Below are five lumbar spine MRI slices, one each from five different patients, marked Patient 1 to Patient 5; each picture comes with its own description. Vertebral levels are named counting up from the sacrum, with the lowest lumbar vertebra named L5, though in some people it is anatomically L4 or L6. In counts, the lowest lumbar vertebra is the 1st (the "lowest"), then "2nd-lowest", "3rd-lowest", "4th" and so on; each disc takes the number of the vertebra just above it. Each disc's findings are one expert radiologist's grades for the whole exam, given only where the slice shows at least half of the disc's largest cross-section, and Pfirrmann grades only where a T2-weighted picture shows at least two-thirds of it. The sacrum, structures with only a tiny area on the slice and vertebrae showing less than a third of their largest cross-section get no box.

Patient 1 of 5:
Slice 59/120 | T2 SPACE (3D) sagittal MRI of the lumbar spine | Image 512x640 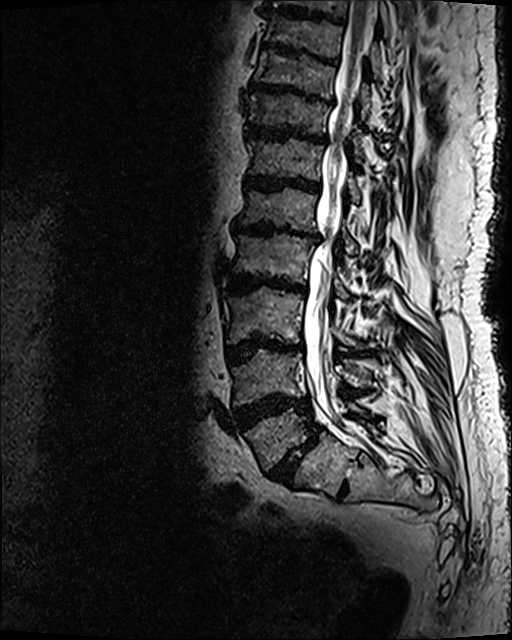

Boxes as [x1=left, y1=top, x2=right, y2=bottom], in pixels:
Segmented structures:
* intervertebral disc L4/L5 at [x1=233, y1=393, x2=311, y2=430]
* intervertebral disc L1/L2 at [x1=230, y1=220, x2=318, y2=239]
* T12/L1 at [x1=244, y1=174, x2=321, y2=193]
* T10/T11 at [x1=249, y1=80, x2=329, y2=103]
* L1 vertebra at [x1=238, y1=187, x2=359, y2=256]
* T12 vertebra at [x1=247, y1=138, x2=360, y2=204]
* T9/T10 at [x1=260, y1=43, x2=339, y2=66]
* intervertebral disc L3/L4 at [x1=225, y1=338, x2=301, y2=364]
* spinal canal at [x1=304, y1=1, x2=377, y2=419]
* T10 at [x1=255, y1=50, x2=370, y2=119]
* intervertebral disc T11/T12 at [x1=244, y1=122, x2=327, y2=144]
* L2/L3 at [x1=229, y1=274, x2=306, y2=294]
* T11 vertebra at [x1=249, y1=92, x2=363, y2=164]
* L5/S1 at [x1=269, y1=426, x2=321, y2=483]
* L3 at [x1=225, y1=287, x2=375, y2=348]
* L4 at [x1=231, y1=349, x2=370, y2=404]
* L2 at [x1=232, y1=231, x2=350, y2=301]
* L5 at [x1=245, y1=401, x2=368, y2=471]

Expert MSK radiologist gradings (per disc):
• T11/T12: Pfirrmann grade 5, lower-endplate change, disc narrowing, disc bulging, Modic type II, upper-endplate change
• L5/S1: Pfirrmann grade 5, spondylolisthesis, lower-endplate change, disc narrowing, Modic type II, disc bulging, upper-endplate change
• L2/L3: Pfirrmann grade 5, disc bulging, disc narrowing, lower-endplate change, upper-endplate change, Modic type II
• T9/T10: upper-endplate change, disc narrowing, disc bulging, Modic type II, lower-endplate change
• L1/L2: disc bulging, upper-endplate change, Modic type II, lower-endplate change, disc narrowing
• T12/L1: Pfirrmann grade 5, Modic type II, lower-endplate change, disc bulging, disc narrowing, upper-endplate change
• L3/L4: Pfirrmann grade 5, lower-endplate change, Modic type II, upper-endplate change, disc bulging, disc narrowing
• T10/T11: Modic type II, disc narrowing, disc bulging, upper-endplate change, lower-endplate change
• L4/L5: Pfirrmann grade 5, lower-endplate change, upper-endplate change, disc narrowing, Modic type II, disc bulging

Patient 2 of 5:
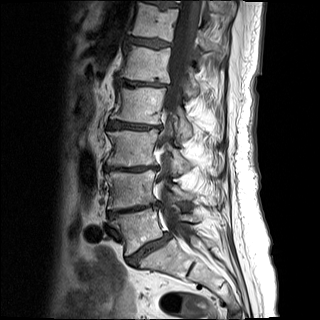 Field of view 260x260 mm, MRI lumbar spine (T1-weighted), sagittal plane, 320x320 px

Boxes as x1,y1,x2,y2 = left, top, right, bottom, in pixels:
IVD T11/T12 — 152,2,179,9.
L1 vertebra — 119,44,202,96.
IVD L4/L5 — 110,203,157,216.
L2/L3 — 109,121,159,129.
Spinal canal — 161,0,201,242.
L5 vertebra — 112,208,201,255.
L2 — 110,87,192,139.
IVD T12/L1 — 126,36,170,48.
T12 vertebra — 128,2,228,55.
L3/L4 — 105,166,156,171.
L4 — 106,170,215,209.
L3 — 107,129,223,175.
T11 vertebra — 206,0,236,19.
L5/S1 — 127,235,170,265.
L1/L2 — 116,78,167,86.

Per-level radiological findings:
- L5/S1: disc narrowing, disc bulging, spondylolisthesis, lower-endplate change, upper-endplate change, Modic type II
- T11/T12: lower-endplate change, disc bulging, Modic type II, upper-endplate change
- L2/L3: disc narrowing, disc bulging, upper-endplate change, Modic type II, lower-endplate change
- L1/L2: lower-endplate change, upper-endplate change, Modic type II, disc narrowing, disc bulging
- L4/L5: disc bulging, Modic type II, upper-endplate change, lower-endplate change, disc narrowing
- L3/L4: lower-endplate change, Modic type II, upper-endplate change, disc narrowing, disc bulging
- T12/L1: upper-endplate change, Modic type II, disc bulging, lower-endplate change

Patient 3 of 5:
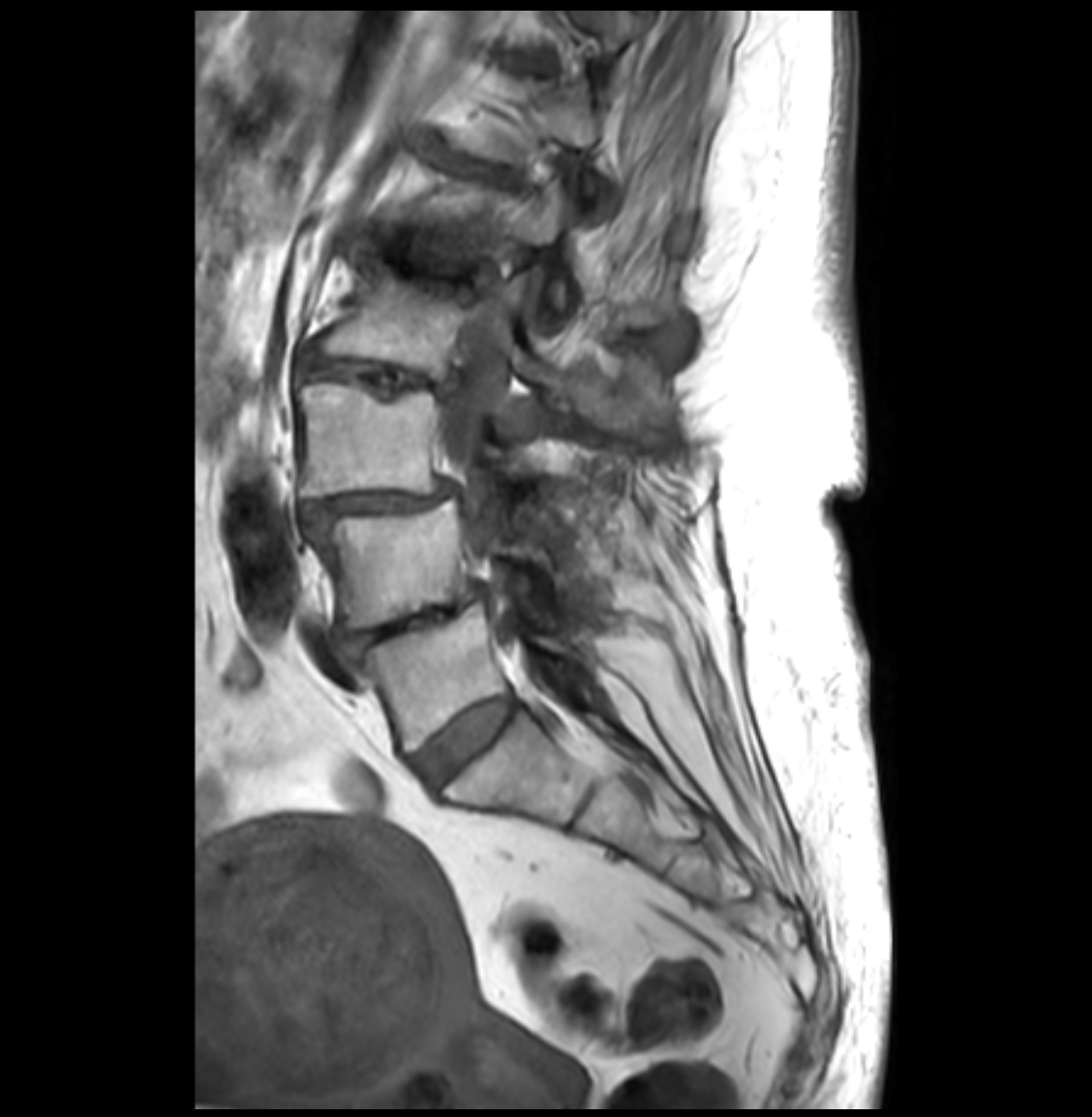 Slice 18 of 33 | Patient sex: F | Image 1092x1117 | T1-weighted sagittal MRI of the lumbar spine | Slice spacing 3.3 mm
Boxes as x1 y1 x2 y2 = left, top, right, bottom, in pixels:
L4/L5 at 344 588 482 653 | L4 vertebra at 310 499 531 627 | intervertebral disc L1/L2 at 382 251 487 281 | L1 at 422 171 675 325 | L2/L3 at 300 337 455 394 | L5 at 361 602 577 751 | spinal canal at 443 305 511 555 | L3 at 297 382 523 497 | L5/S1 at 412 696 516 786 | intervertebral disc T12/L1 at 458 162 506 177 | intervertebral disc L3/L4 at 305 485 452 522 | L2 vertebra at 326 260 667 430

Per-level radiological findings:
- L4/L5: disc bulging, disc narrowing
- L3/L4: disc narrowing, disc bulging, spondylolisthesis
- L2/L3: lower-endplate change, disc bulging, disc narrowing, upper-endplate change
- L5/S1: no herniation, bulging, narrowing, spondylolisthesis, endplate or Modic change recorded

Patient 4 of 5:
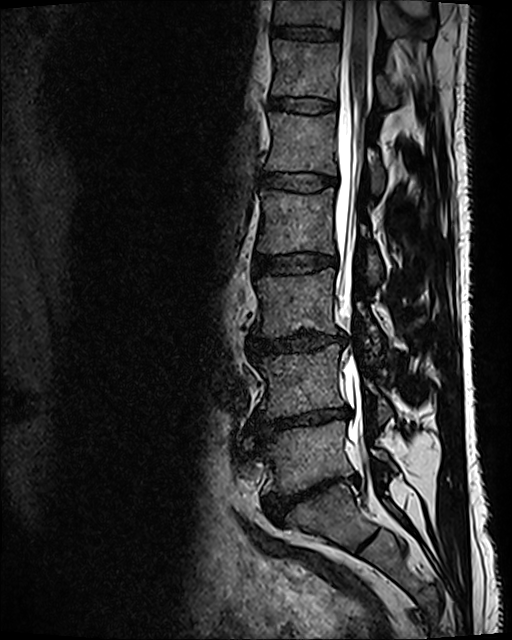

512x640 px. Field of view 240x300 mm, slice spacing 0.9 mm. Sagittal T2 SPACE (3D) lumbar spine MRI. Slice 50/120. Sex M.

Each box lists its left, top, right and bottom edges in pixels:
L3 vertebra — left=255, top=268, right=380, bottom=353 | T11 vertebra — left=274, top=0, right=436, bottom=39 | spinal canal — left=335, top=1, right=375, bottom=472 | L5/S1 — left=263, top=480, right=336, bottom=522 | L2 vertebra — left=258, top=187, right=382, bottom=282 | L1/L2 — left=260, top=172, right=336, bottom=192 | T12 — left=272, top=40, right=429, bottom=107 | T12/L1 — left=271, top=97, right=335, bottom=113 | L4 vertebra — left=255, top=345, right=391, bottom=423 | L1 — left=266, top=112, right=384, bottom=194 | disc L2/L3 — left=254, top=255, right=336, bottom=275 | disc L3/L4 — left=251, top=332, right=343, bottom=352 | disc T11/T12 — left=270, top=26, right=341, bottom=41 | L4/L5 — left=255, top=407, right=349, bottom=440 | L5 — left=262, top=421, right=395, bottom=494

Expert MSK radiologist gradings (per disc):
• T12/L1: Pfirrmann grade 2
• T11/T12: Pfirrmann grade 2
• L4/L5: Pfirrmann grade 5, disc bulging, lower-endplate change, disc narrowing, Modic type II
• L2/L3: Pfirrmann grade 2
• L1/L2: Pfirrmann grade 2
• L5/S1: disc bulging, disc narrowing, spondylolisthesis, lower-endplate change
• L3/L4: Pfirrmann grade 3, disc narrowing, disc bulging

Patient 5 of 5:
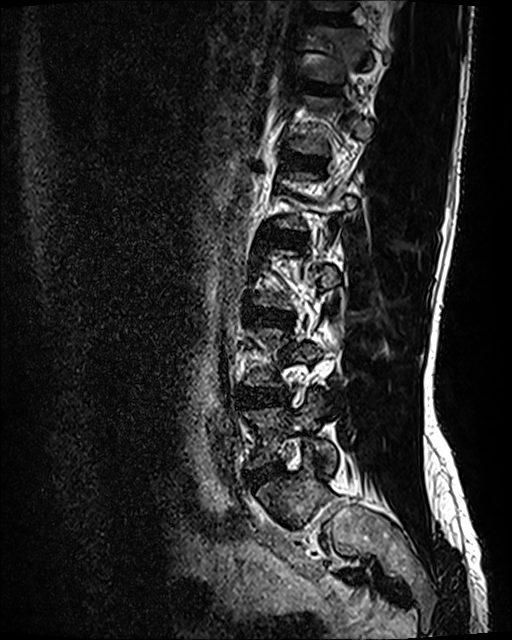 Lumbar spine MR, T2 SPACE (3D), sagittal

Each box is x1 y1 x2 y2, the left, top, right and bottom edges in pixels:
Structures:
• 4th disc — 268 231 306 246
• 7th disc — 311 11 353 24
• 6th disc — 302 82 338 94
• 5th disc — 287 153 326 171
• lowest disc — 246 464 280 483
• lowest vertebra — 243 393 338 471
• 2nd-lowest disc — 239 386 286 405
• 6th vertebra — 309 27 390 82
• 3rd-lowest disc — 247 306 292 326